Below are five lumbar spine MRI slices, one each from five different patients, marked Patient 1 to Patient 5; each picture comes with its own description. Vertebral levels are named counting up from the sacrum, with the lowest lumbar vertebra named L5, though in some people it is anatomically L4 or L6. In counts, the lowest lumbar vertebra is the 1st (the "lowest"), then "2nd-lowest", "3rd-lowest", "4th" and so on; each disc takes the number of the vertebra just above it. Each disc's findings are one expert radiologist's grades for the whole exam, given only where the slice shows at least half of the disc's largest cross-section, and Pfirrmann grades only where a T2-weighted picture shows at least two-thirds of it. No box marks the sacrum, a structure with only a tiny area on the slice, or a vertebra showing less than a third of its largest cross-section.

Patient 1 of 5:
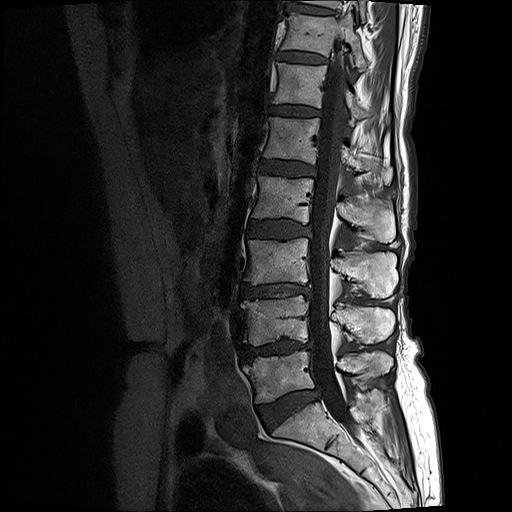
Sagittal T1-weighted lumbar spine MRI, Image 512x512
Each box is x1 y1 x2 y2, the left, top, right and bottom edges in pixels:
{"intervertebral disc L4/L5": "243 339 314 359", "L3/L4": "242 283 312 297", "thecal sac / spinal canal": "310 40 354 429", "L5/S1": "259 390 319 425", "T11 vertebra": "281 13 368 72", "T10/T11": "293 5 332 13", "L1 vertebra": "264 117 393 185", "T10 vertebra": "302 0 366 21", "intervertebral disc L1/L2": "260 160 316 176", "L5 vertebra": "244 349 393 404", "intervertebral disc T11/T12": "279 51 326 62", "L2 vertebra": "253 175 395 241", "L3": "245 238 398 297", "T12 vertebra": "272 62 391 126", "L2/L3": "251 218 311 238", "L4 vertebra": "241 295 395 345", "T12/L1": "271 105 319 116"}

Degenerative findings by level:
• L1/L2: lower-endplate change, Modic type II, upper-endplate change
• L5/S1: disc bulging
• L3/L4: upper-endplate change, Modic type II, disc narrowing, lower-endplate change, disc bulging
• T12/L1: upper-endplate change, lower-endplate change, Modic type II
• L4/L5: Modic type II, upper-endplate change, disc bulging, disc narrowing, lower-endplate change
• T11/T12: upper-endplate change, lower-endplate change, Modic type II
• T10/T11: lower-endplate change, upper-endplate change
• L2/L3: disc bulging, Modic type II, upper-endplate change, lower-endplate change

Patient 2 of 5:
Field of view 280x280 mm, slice spacing 3.3 mm, Lumbar spine MR, T2-weighted, sagittal

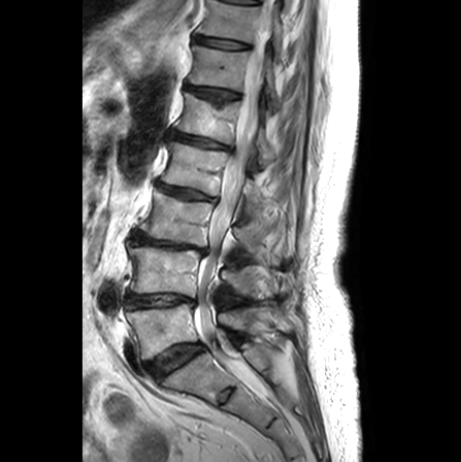
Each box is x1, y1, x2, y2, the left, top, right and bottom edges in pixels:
L2 vertebra: 161, 141, 262, 213 | IVD L3/L4: 130, 230, 205, 253 | L1: 174, 92, 274, 164 | IVD L2/L3: 156, 181, 215, 200 | T11 vertebra: 197, 0, 282, 53 | L4 vertebra: 129, 246, 256, 296 | L5 vertebra: 126, 303, 243, 359 | L5/S1: 145, 343, 204, 379 | T12 vertebra: 189, 44, 278, 110 | L4/L5: 126, 293, 192, 308 | thecal sac / spinal canal: 194, 2, 272, 392 | T11/T12: 194, 36, 248, 49 | T12/L1: 187, 85, 238, 100 | IVD L1/L2: 168, 130, 229, 149 | L3 vertebra: 139, 188, 260, 258

Degenerative findings by level:
• L2/L3: Pfirrmann grade 3, disc narrowing, upper-endplate change, lower-endplate change
• L4/L5: Pfirrmann grade 2, Modic type II, disc narrowing
• T12/L1: Pfirrmann grade 2, upper-endplate change
• L5/S1: Pfirrmann grade 3, Modic type II
• L3/L4: Pfirrmann grade 5, Modic type II, disc narrowing, lower-endplate change, upper-endplate change
• L1/L2: Pfirrmann grade 3, disc narrowing, upper-endplate change, lower-endplate change, disc bulging
• T11/T12: Pfirrmann grade 1

Patient 3 of 5:
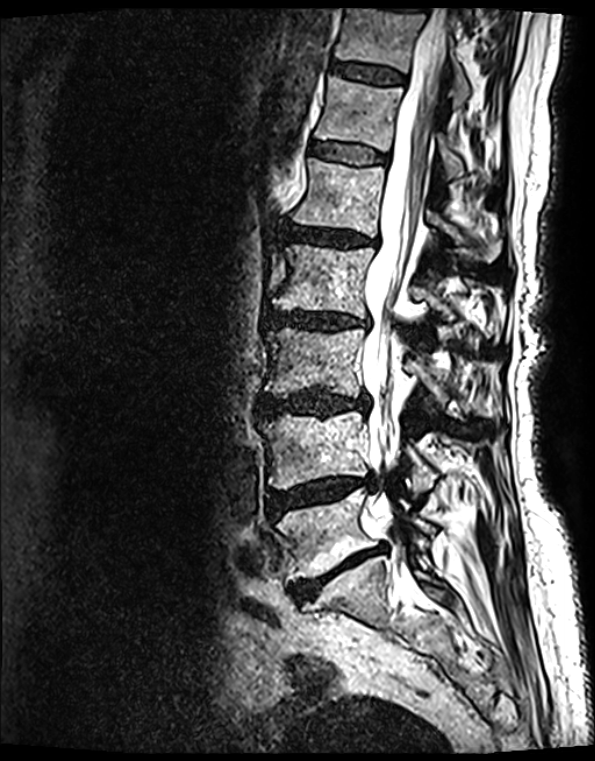
Slice 73 of 139, Sex F, MRI lumbar spine (T2 SPACE (3D)), sagittal plane
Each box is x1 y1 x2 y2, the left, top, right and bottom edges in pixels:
Annotations:
* intervertebral disc L2/L3: 266 311 366 329
* T12: 315 77 464 175
* L3/L4: 264 392 368 415
* thecal sac / spinal canal: 362 10 449 556
* L4: 260 412 435 489
* intervertebral disc L5/S1: 292 546 383 599
* L1: 293 158 500 263
* T11/T12: 332 63 404 85
* T11 vertebra: 335 10 471 108
* intervertebral disc T12/L1: 312 144 385 165
* L5: 276 489 434 579
* intervertebral disc L1/L2: 288 227 368 245
* intervertebral disc L4/L5: 266 477 375 516
* L2: 273 245 465 319
* L3 vertebra: 265 328 461 410

Per-level radiological findings:
  L3/L4: Pfirrmann grade 4, Modic type II, lower-endplate change, disc narrowing, disc bulging, upper-endplate change
  T11/T12: Pfirrmann grade 2, Modic type II, upper-endplate change, lower-endplate change
  T12/L1: Pfirrmann grade 2, upper-endplate change, lower-endplate change, Modic type II
  L4/L5: Pfirrmann grade 4, disc bulging, disc narrowing, disc herniation, upper-endplate change, Modic type II, lower-endplate change
  L5/S1: disc narrowing, Modic type II, disc bulging, upper-endplate change, lower-endplate change
  L2/L3: Pfirrmann grade 4, lower-endplate change, disc narrowing, upper-endplate change, Modic type II, disc bulging
  L1/L2: Pfirrmann grade 4, disc bulging, lower-endplate change, disc narrowing, upper-endplate change, Modic type II

Patient 4 of 5:
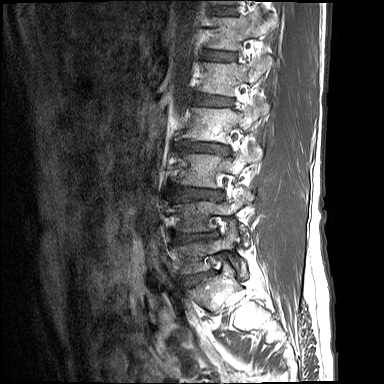
Sagittal T1-weighted lumbar spine MRI, 384x384 px, Slice 4 of 17

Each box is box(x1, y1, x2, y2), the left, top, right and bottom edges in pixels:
T12 vertebra = box(209, 17, 277, 50) | L1 = box(198, 56, 272, 96) | L1/L2 = box(193, 93, 232, 106) | L4 vertebra = box(177, 192, 254, 231) | L3/L4 = box(176, 187, 221, 199) | L3 = box(179, 147, 260, 188) | L5/S1 = box(182, 270, 213, 288) | IVD T11/T12 = box(214, 8, 233, 15) | IVD L2/L3 = box(177, 141, 227, 152) | L2 = box(178, 104, 267, 143) | L5 = box(174, 227, 246, 274) | T12/L1 = box(202, 50, 234, 62) | IVD L4/L5 = box(175, 232, 218, 242)

Radiological gradings:
- T12/L1: lower-endplate change, upper-endplate change
- L1/L2: lower-endplate change, upper-endplate change, disc bulging
- L3/L4: disc bulging, lower-endplate change, upper-endplate change
- L2/L3: lower-endplate change, disc narrowing, upper-endplate change, disc bulging

Patient 5 of 5:
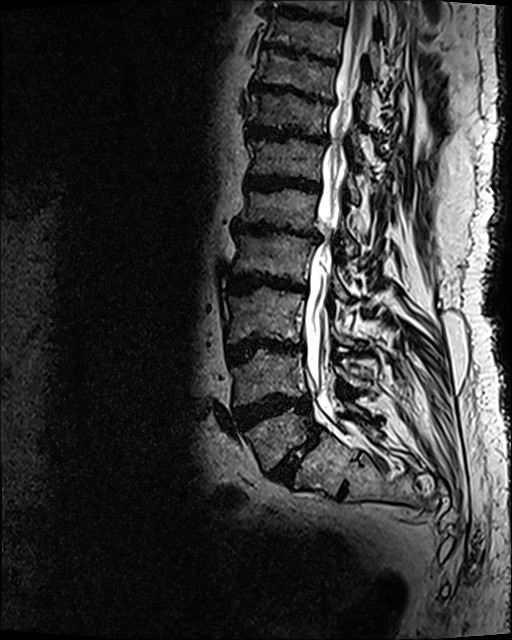 Slice spacing 0.9 mm, Lumbar spine MR, T2 SPACE (3D), sagittal
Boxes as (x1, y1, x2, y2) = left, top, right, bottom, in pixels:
• L2 = (232, 231, 350, 303)
• T11 vertebra = (248, 92, 362, 162)
• L4 vertebra = (231, 349, 370, 404)
• L1 vertebra = (239, 188, 360, 261)
• L3 = (226, 287, 353, 345)
• thecal sac / spinal canal = (304, 1, 376, 413)
• T12 vertebra = (249, 138, 359, 204)
• T10 vertebra = (254, 49, 368, 118)
• L2/L3 = (228, 274, 306, 294)
• L5 vertebra = (245, 401, 368, 471)
• T12/L1 = (243, 174, 321, 193)
• L5/S1 = (269, 426, 321, 484)
• T10/T11 = (249, 81, 330, 104)
• L3/L4 = (225, 338, 301, 364)
• IVD T11/T12 = (245, 123, 327, 143)
• IVD L4/L5 = (232, 393, 310, 430)
• IVD T9/T10 = (261, 43, 338, 65)
• IVD L1/L2 = (231, 221, 318, 239)

Per-level radiological findings:
- L2/L3: Pfirrmann grade 5, lower-endplate change, upper-endplate change, disc bulging, disc narrowing, Modic type II
- L5/S1: Pfirrmann grade 5, disc bulging, lower-endplate change, spondylolisthesis, upper-endplate change, disc narrowing, Modic type II
- T9/T10: disc bulging, disc narrowing, lower-endplate change, upper-endplate change, Modic type II
- T10/T11: lower-endplate change, Modic type II, disc narrowing, disc bulging, upper-endplate change
- T11/T12: Pfirrmann grade 5, upper-endplate change, lower-endplate change, disc narrowing, disc bulging, Modic type II
- T12/L1: Pfirrmann grade 5, disc bulging, upper-endplate change, disc narrowing, Modic type II, lower-endplate change
- L3/L4: Pfirrmann grade 5, disc narrowing, upper-endplate change, disc bulging, Modic type II, lower-endplate change
- L1/L2: upper-endplate change, lower-endplate change, disc narrowing, disc bulging, Modic type II
- L4/L5: Pfirrmann grade 5, disc bulging, disc narrowing, lower-endplate change, upper-endplate change, Modic type II